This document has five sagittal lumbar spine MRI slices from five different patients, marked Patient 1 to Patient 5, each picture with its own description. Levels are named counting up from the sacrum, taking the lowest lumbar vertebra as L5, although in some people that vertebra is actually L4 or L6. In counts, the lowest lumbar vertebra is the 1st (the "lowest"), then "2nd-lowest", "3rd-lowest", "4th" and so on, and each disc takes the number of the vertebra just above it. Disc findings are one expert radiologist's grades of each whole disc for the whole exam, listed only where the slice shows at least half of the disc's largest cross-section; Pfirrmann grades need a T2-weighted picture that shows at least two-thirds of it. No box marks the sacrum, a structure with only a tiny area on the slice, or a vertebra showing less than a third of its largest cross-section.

Patient 1 of 5:
Image 613x611 | Sagittal T2-weighted lumbar spine MRI
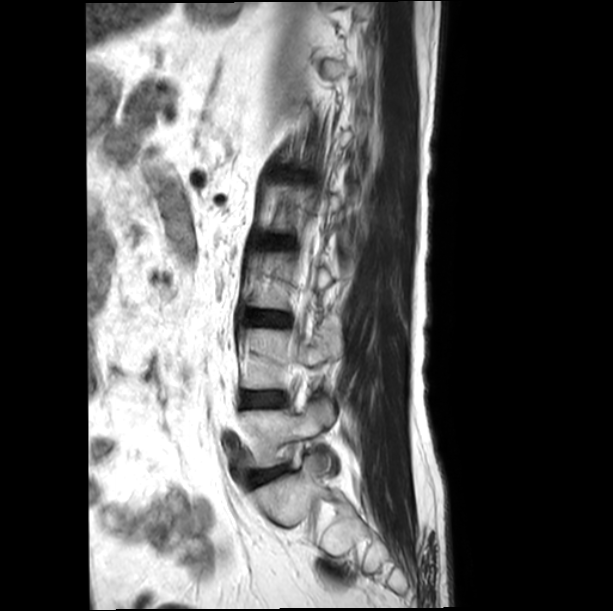

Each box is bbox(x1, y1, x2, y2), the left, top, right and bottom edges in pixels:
Lowest disc at bbox(255, 467, 285, 482); 2nd-lowest vertebra at bbox(243, 328, 340, 388); lowest vertebra at bbox(241, 399, 334, 468); 2nd-lowest disc at bbox(243, 392, 283, 406); 3rd-lowest disc at bbox(250, 314, 287, 324).

Patient 2 of 5:
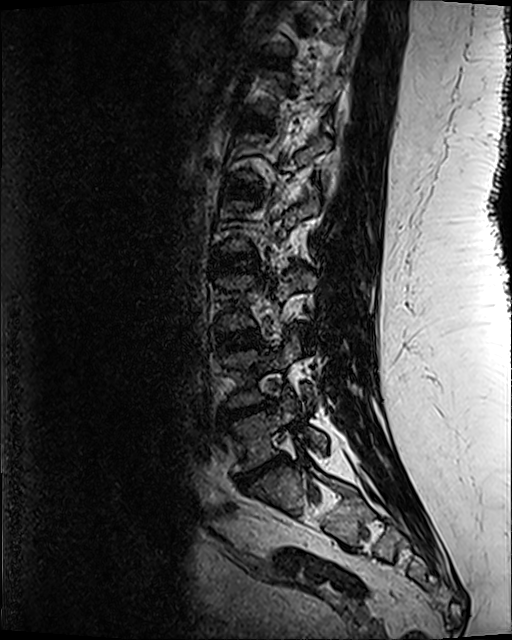 Lumbar spine MR, T2 SPACE (3D), sagittal. Sagittal slice index 79.

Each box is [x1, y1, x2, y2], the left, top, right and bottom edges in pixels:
Annotations:
• L2/L3: [210, 254, 257, 273]
• L3/L4: [217, 331, 259, 352]
• T12/L1: [238, 113, 268, 125]
• L4/L5: [223, 399, 275, 419]
• L5/S1: [236, 456, 286, 487]
• L1/L2: [231, 183, 258, 196]
• IVD T11/T12: [265, 58, 285, 64]
• L4: [222, 334, 313, 406]
• L5 vertebra: [232, 396, 327, 471]

Expert MSK radiologist gradings (per disc):
  L5/S1: disc narrowing, lower-endplate change, upper-endplate change, Modic type II, disc herniation
  L2/L3: Pfirrmann grade 3, upper-endplate change, lower-endplate change
  L3/L4: no spondylolisthesis, narrowing, bulging, herniation, Modic or endplate change recorded

Patient 3 of 5:
MRI lumbar spine (T2-weighted), sagittal plane, Slice 3/15
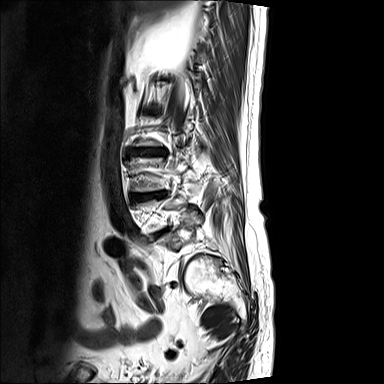 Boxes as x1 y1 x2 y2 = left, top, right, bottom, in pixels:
4th disc at 129 147 165 156, 3rd-lowest disc at 132 194 155 199, lowest vertebra at 158 210 201 249.

Expert MSK radiologist gradings (per disc):
- 4th disc: Pfirrmann grade 5, upper-endplate change, disc narrowing, Modic type II, disc bulging, lower-endplate change

Patient 4 of 5:
Lumbar spine MR, T2 SPACE (3D), sagittal; Slice spacing 0.9 mm

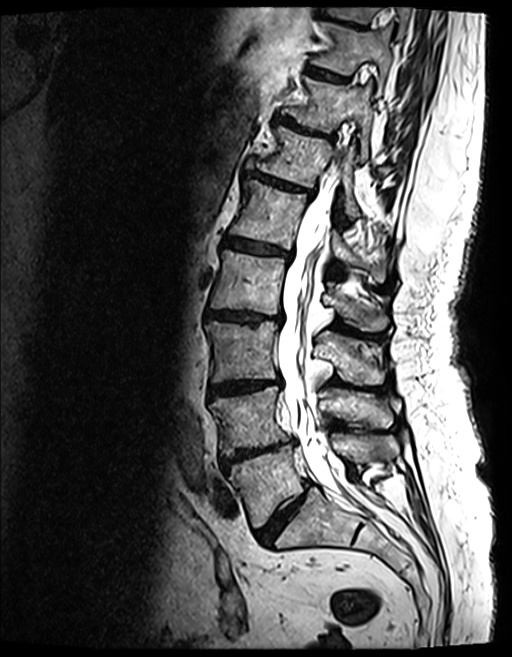 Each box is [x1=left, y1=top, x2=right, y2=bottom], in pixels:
6th disc at [x1=247, y1=170, x2=313, y2=197], 3rd-lowest vertebra at [x1=205, y1=321, x2=385, y2=384], 3rd-lowest disc at [x1=210, y1=378, x2=280, y2=395], lowest disc at [x1=256, y1=484, x2=310, y2=544], 9th disc at [x1=318, y1=7, x2=363, y2=27], 4th vertebra at [x1=211, y1=250, x2=387, y2=330], 5th vertebra at [x1=230, y1=181, x2=386, y2=281], 8th vertebra at [x1=310, y1=21, x2=392, y2=87], 5th disc at [x1=225, y1=238, x2=290, y2=259], 9th vertebra at [x1=329, y1=6, x2=410, y2=37], 2nd-lowest disc at [x1=221, y1=440, x2=294, y2=469], thecal sac / spinal canal at [x1=278, y1=149, x2=370, y2=507], 7th vertebra at [x1=283, y1=77, x2=374, y2=155], 2nd-lowest vertebra at [x1=210, y1=387, x2=393, y2=455], 8th disc at [x1=305, y1=66, x2=348, y2=83], 4th disc at [x1=206, y1=310, x2=282, y2=323], 6th vertebra at [x1=248, y1=126, x2=361, y2=219], 7th disc at [x1=274, y1=114, x2=334, y2=140], lowest vertebra at [x1=228, y1=434, x2=399, y2=528].

Radiological gradings:
• 8th disc: Pfirrmann grade 4, Modic type II, lower-endplate change, upper-endplate change
• lowest disc: Pfirrmann grade 4, disc bulging, disc narrowing
• 4th disc: Pfirrmann grade 4, disc bulging, upper-endplate change, lower-endplate change, Modic type II, disc narrowing
• 7th disc: Pfirrmann grade 5, disc bulging, Modic type II, disc narrowing, upper-endplate change, lower-endplate change
• 2nd-lowest disc: disc narrowing, upper-endplate change, lower-endplate change, Modic type II, disc bulging
• 5th disc: Pfirrmann grade 4, disc narrowing, lower-endplate change, upper-endplate change, disc bulging, Modic type II
• 3rd-lowest disc: Pfirrmann grade 4, disc bulging, upper-endplate change, Modic type II, disc narrowing, lower-endplate change
• 6th disc: Pfirrmann grade 4, disc narrowing, lower-endplate change, disc bulging, Modic type II, upper-endplate change

Patient 5 of 5:
512x512 px, Slice 14 of 17, SIEMENS Avanto_fit (1.5T), Sagittal T2-weighted lumbar spine MRI 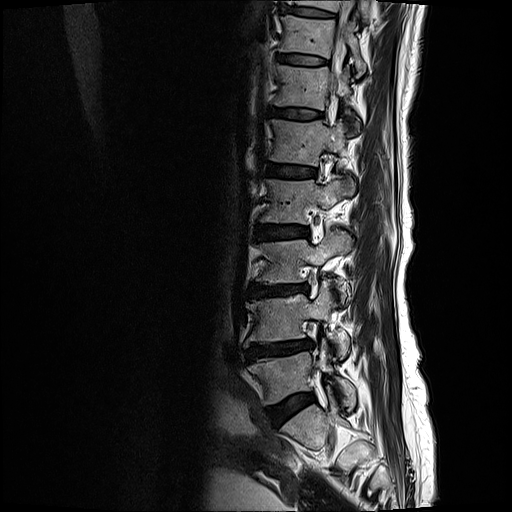
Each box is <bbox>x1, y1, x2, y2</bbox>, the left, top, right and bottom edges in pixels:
• T10 (8th vertebra) = <bbox>288, 0, 369, 18</bbox>
• T12 (6th vertebra) = <bbox>272, 64, 351, 109</bbox>
• intervertebral disc L1/L2 (5th disc) = <bbox>267, 164, 315, 177</bbox>
• thecal sac / spinal canal = <bbox>332, 0, 356, 98</bbox>
• T12/L1 (6th disc) = <bbox>271, 106, 321, 118</bbox>
• T11 (7th vertebra) = <bbox>279, 15, 366, 75</bbox>
• L2/L3 (4th disc) = <bbox>256, 223, 307, 239</bbox>
• intervertebral disc L4/L5 (2nd-lowest disc) = <bbox>247, 341, 313, 357</bbox>
• intervertebral disc T11/T12 (7th disc) = <bbox>277, 55, 326, 64</bbox>
• L5/S1 (lowest disc) = <bbox>274, 393, 314, 420</bbox>
• L5 (lowest vertebra) = <bbox>250, 344, 356, 409</bbox>
• intervertebral disc L3/L4 (3rd-lowest disc) = <bbox>249, 283, 307, 295</bbox>
• L2 (4th vertebra) = <bbox>259, 174, 354, 223</bbox>
• L4 (2nd-lowest vertebra) = <bbox>244, 282, 349, 355</bbox>
• L1 (5th vertebra) = <bbox>270, 118, 351, 166</bbox>
• intervertebral disc T10/T11 (8th disc) = <bbox>283, 6, 333, 16</bbox>
• L3 (3rd-lowest vertebra) = <bbox>259, 230, 351, 300</bbox>

Degenerative findings by level:
- T12/L1 (6th disc): Pfirrmann grade 2, upper-endplate change, Modic type II, lower-endplate change
- L1/L2 (5th disc): Pfirrmann grade 3, Modic type II, lower-endplate change, upper-endplate change
- T11/T12 (7th disc): Pfirrmann grade 2, upper-endplate change, lower-endplate change, Modic type II
- T10/T11 (8th disc): Pfirrmann grade 2, upper-endplate change, lower-endplate change
- L4/L5 (2nd-lowest disc): Pfirrmann grade 4, Modic type II, upper-endplate change, lower-endplate change, disc narrowing, disc bulging
- L2/L3 (4th disc): Pfirrmann grade 3, disc bulging, upper-endplate change, Modic type II, lower-endplate change
- L5/S1 (lowest disc): disc bulging
- L3/L4 (3rd-lowest disc): lower-endplate change, disc bulging, disc narrowing, upper-endplate change, Modic type II